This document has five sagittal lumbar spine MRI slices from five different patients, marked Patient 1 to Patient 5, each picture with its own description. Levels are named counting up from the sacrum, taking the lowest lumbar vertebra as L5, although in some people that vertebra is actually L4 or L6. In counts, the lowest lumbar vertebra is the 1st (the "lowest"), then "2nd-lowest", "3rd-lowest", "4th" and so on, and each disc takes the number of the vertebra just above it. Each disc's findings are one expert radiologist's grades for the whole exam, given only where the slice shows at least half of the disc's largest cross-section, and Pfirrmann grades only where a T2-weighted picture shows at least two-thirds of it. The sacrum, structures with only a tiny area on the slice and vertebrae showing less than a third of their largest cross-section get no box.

Patient 1 of 5:
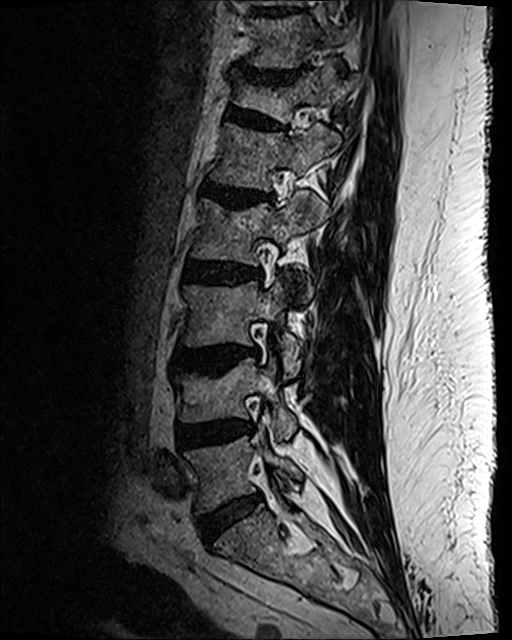

Sagittal slice index 39 | Sagittal T2 SPACE (3D) lumbar spine MRI
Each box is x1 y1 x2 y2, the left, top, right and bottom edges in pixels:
L4/L5 (2nd-lowest disc) at 177 423 246 447.
T11 (7th vertebra) at 250 17 349 68.
L1 (5th vertebra) at 213 123 339 191.
IVD L3/L4 (3rd-lowest disc) at 176 346 258 371.
L2 (4th vertebra) at 193 194 316 265.
L1/L2 (5th disc) at 203 183 262 208.
L3 (3rd-lowest vertebra) at 182 281 301 376.
T12 (6th vertebra) at 235 65 347 122.
IVD T11/T12 (7th disc) at 233 67 305 84.
IVD T12/L1 (6th disc) at 229 107 282 130.
IVD L2/L3 (4th disc) at 183 262 262 284.
L4 (2nd-lowest vertebra) at 175 358 297 439.
L5 (lowest vertebra) at 186 436 302 513.
IVD L5/S1 (lowest disc) at 198 495 259 539.
IVD T10/T11 (8th disc) at 257 10 293 18.

Degenerative findings by level:
- L5/S1 (lowest disc): Pfirrmann grade 2, disc bulging
- L4/L5 (2nd-lowest disc): Pfirrmann grade 3, disc narrowing, disc bulging
- L2/L3 (4th disc): Pfirrmann grade 3, lower-endplate change, disc bulging
- T11/T12 (7th disc): Pfirrmann grade 2, lower-endplate change, disc bulging, disc narrowing, upper-endplate change
- L3/L4 (3rd-lowest disc): Pfirrmann grade 3, disc bulging, upper-endplate change, Modic type II, lower-endplate change
- L1/L2 (5th disc): Pfirrmann grade 3, Modic type II, upper-endplate change, lower-endplate change, disc narrowing, disc bulging
- T12/L1 (6th disc): upper-endplate change, lower-endplate change, disc bulging, spondylolisthesis

Patient 2 of 5:
Sagittal T2 SPACE (3D) lumbar spine MRI | Sex F | Slice spacing 0.9 mm | Image 512x640 | Slice 41/120

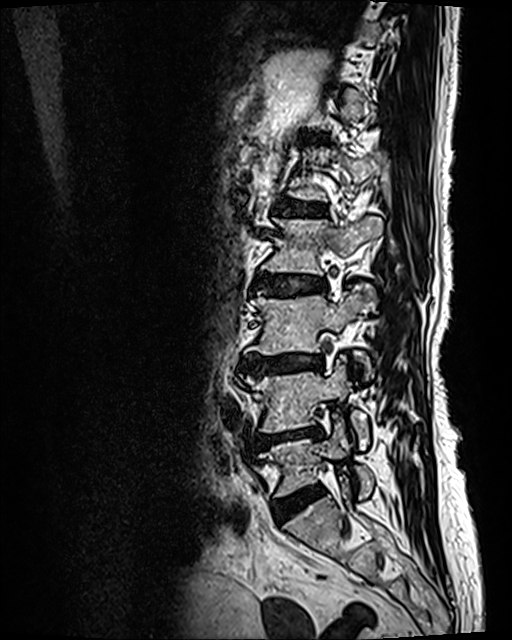

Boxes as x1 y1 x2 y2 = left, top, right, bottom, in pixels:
{"L3/L4 (3rd-lowest disc)": "242 355 322 374", "L3 (3rd-lowest vertebra)": "252 286 377 380", "L4 (2nd-lowest vertebra)": "240 357 368 450", "L2 (4th vertebra)": "261 217 383 274", "L4/L5 (2nd-lowest disc)": "249 428 322 449", "disc L1/L2 (5th disc)": "282 200 325 216", "L2/L3 (4th disc)": "258 273 326 294", "L5 (lowest vertebra)": "259 418 373 497", "disc L5/S1 (lowest disc)": "274 487 321 522", "disc T12/L1 (6th disc)": "308 138 324 142"}

Expert MSK radiologist gradings (per disc):
- L4/L5 (2nd-lowest disc): disc bulging, disc narrowing, lower-endplate change, Modic type II, upper-endplate change
- L3/L4 (3rd-lowest disc): Pfirrmann grade 4, disc bulging, disc narrowing, lower-endplate change, Modic type II, upper-endplate change
- L2/L3 (4th disc): Pfirrmann grade 3, disc bulging, upper-endplate change, Modic type II, lower-endplate change

Patient 3 of 5:
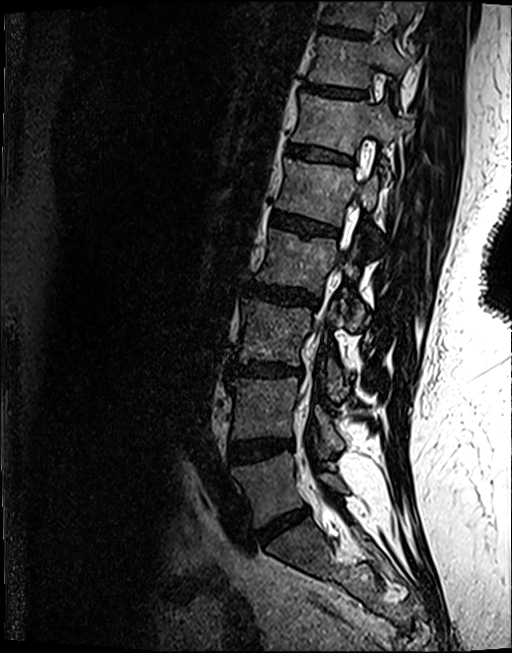 Sagittal T2 SPACE (3D) lumbar spine MRI.
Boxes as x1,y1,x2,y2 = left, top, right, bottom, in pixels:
L5/S1 at 259,507,308,543.
Spinal canal at 301,225,350,407.
L3 at 235,298,349,398.
IVD L1/L2 at 271,211,337,234.
L1 at 275,158,380,241.
L5 at 230,451,348,527.
T11 vertebra at 309,35,412,88.
L2 vertebra at 256,228,369,329.
IVD T10/T11 at 321,24,367,37.
IVD T11/T12 at 304,82,365,97.
L4 at 229,377,344,452.
L3/L4 at 230,361,302,376.
T10 at 325,0,417,29.
IVD L4/L5 at 229,438,293,462.
IVD T12/L1 at 288,144,351,163.
T12 vertebra at 293,93,399,152.
IVD L2/L3 at 247,282,319,308.

Per-level radiological findings:
• T11/T12: Pfirrmann grade 4, upper-endplate change
• L1/L2: Pfirrmann grade 4, Modic type II, upper-endplate change, lower-endplate change
• L2/L3: Pfirrmann grade 4, disc bulging, upper-endplate change, lower-endplate change
• L3/L4: Pfirrmann grade 4, Modic type II, disc narrowing, upper-endplate change, disc bulging, lower-endplate change
• L4/L5: Pfirrmann grade 4, disc bulging, Modic type II, lower-endplate change
• L5/S1: disc narrowing, disc bulging
• T10/T11: lower-endplate change, upper-endplate change
• T12/L1: Pfirrmann grade 3, lower-endplate change, upper-endplate change

Patient 4 of 5:
Scanner: Philips Medical Systems Ingenia (1.5T), Lumbar spine MR, T2-weighted, sagittal, Slice 16/19, Field of view 310x309 mm
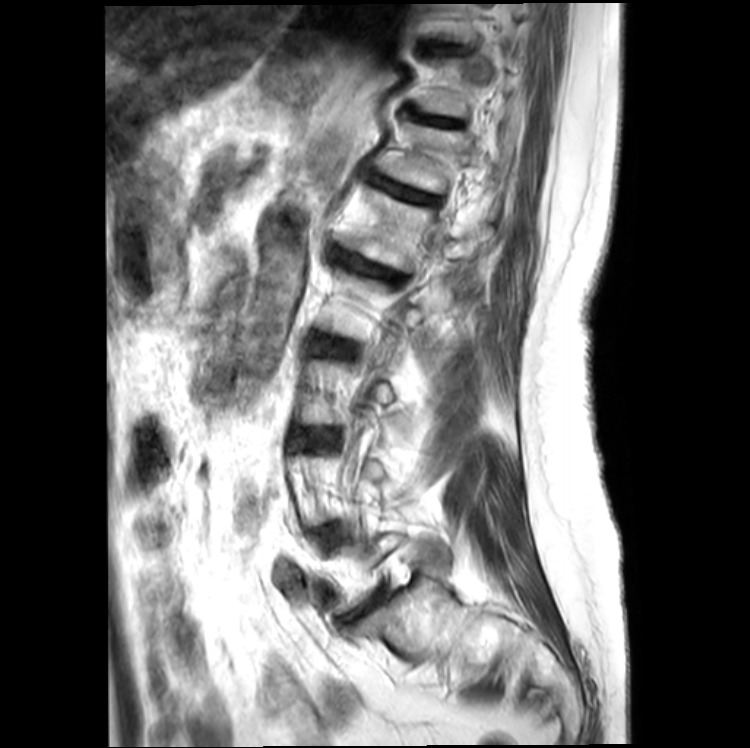
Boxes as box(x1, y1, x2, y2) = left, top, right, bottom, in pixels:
{"T12 vertebra": "box(384, 120, 493, 192)", "IVD T12/L1": "box(371, 176, 439, 204)", "L5/S1": "box(351, 591, 386, 622)", "IVD T10/T11": "box(437, 45, 467, 53)", "IVD L4/L5": "box(317, 524, 345, 547)", "L1 vertebra": "box(346, 189, 437, 271)", "IVD T11/T12": "box(406, 109, 459, 125)", "IVD L1/L2": "box(345, 257, 404, 281)", "L3/L4": "box(304, 430, 331, 442)", "T11 vertebra": "box(418, 58, 489, 117)", "IVD L2/L3": "box(317, 340, 350, 353)"}

Expert MSK radiologist gradings (per disc):
• T11/T12: Pfirrmann grade 4, upper-endplate change, lower-endplate change, Modic type II, disc narrowing
• L1/L2: lower-endplate change, disc narrowing, Modic type II, spondylolisthesis, disc bulging, upper-endplate change
• T12/L1: Pfirrmann grade 4, upper-endplate change, Modic type II, disc narrowing, lower-endplate change

Patient 5 of 5:
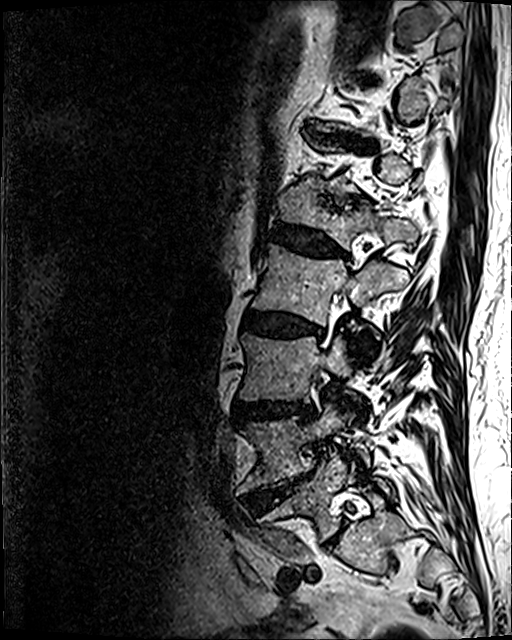 Sagittal slice index 41, Sagittal T2 SPACE (3D) lumbar spine MRI

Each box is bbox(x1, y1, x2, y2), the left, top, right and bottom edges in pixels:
Intervertebral disc L3/L4 (3rd-lowest disc) at bbox(237, 402, 313, 421).
T11/T12 (7th disc) at bbox(312, 128, 350, 141).
L5 (lowest vertebra) at bbox(267, 453, 388, 538).
L4 (2nd-lowest vertebra) at bbox(240, 394, 368, 491).
L5/S1 (lowest disc) at bbox(327, 523, 345, 544).
L4/L5 (2nd-lowest disc) at bbox(246, 473, 311, 511).
L2/L3 (4th disc) at bbox(243, 311, 323, 337).
L1/L2 (5th disc) at bbox(270, 224, 346, 257).
L3 (3rd-lowest vertebra) at bbox(240, 334, 351, 402).
L1 (5th vertebra) at bbox(278, 185, 412, 249).
L2 (4th vertebra) at bbox(252, 244, 409, 325).

Radiological gradings:
• L4/L5 (2nd-lowest disc): Pfirrmann grade 5, disc bulging, lower-endplate change, Modic type II, disc herniation, disc narrowing, upper-endplate change
• L3/L4 (3rd-lowest disc): Pfirrmann grade 4, upper-endplate change, lower-endplate change, disc narrowing, disc bulging
• L2/L3 (4th disc): Pfirrmann grade 4, lower-endplate change, disc narrowing, Modic type II, disc bulging, upper-endplate change
• L1/L2 (5th disc): Pfirrmann grade 4, lower-endplate change, upper-endplate change, disc bulging, disc narrowing